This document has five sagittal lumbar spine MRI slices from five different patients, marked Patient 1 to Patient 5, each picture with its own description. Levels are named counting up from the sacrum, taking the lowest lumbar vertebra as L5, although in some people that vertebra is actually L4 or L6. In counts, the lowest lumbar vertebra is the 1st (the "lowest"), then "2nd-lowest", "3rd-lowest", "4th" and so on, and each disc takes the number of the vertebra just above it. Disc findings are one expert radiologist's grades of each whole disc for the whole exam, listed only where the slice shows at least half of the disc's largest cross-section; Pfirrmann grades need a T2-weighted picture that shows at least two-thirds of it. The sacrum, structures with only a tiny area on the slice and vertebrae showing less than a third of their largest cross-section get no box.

Patient 1 of 5:
Sagittal T2 SPACE (3D) lumbar spine MRI, Patient sex: F, 512x640 px, Field of view 240x300 mm, slice spacing 0.9 mm
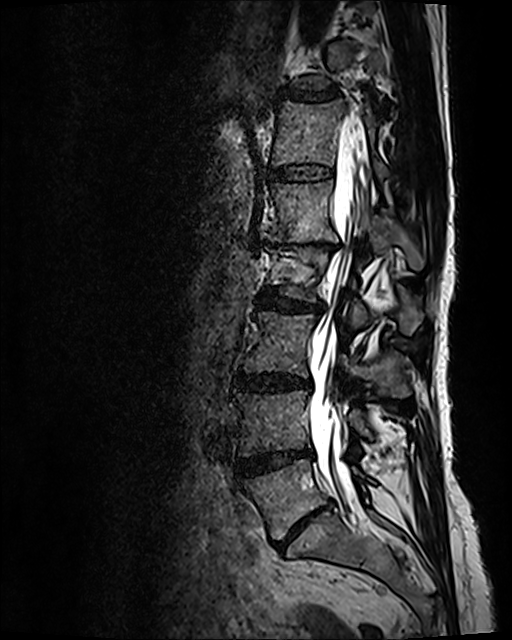
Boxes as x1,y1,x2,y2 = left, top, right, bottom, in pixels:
Intervertebral disc L1/L2 (5th disc) = 265,239,338,251.
Intervertebral disc L3/L4 (3rd-lowest disc) = 234,372,310,391.
L1 (5th vertebra) = 260,180,424,270.
L4 (2nd-lowest vertebra) = 233,390,371,457.
T12 (6th vertebra) = 272,101,388,177.
L2 (4th vertebra) = 268,249,422,335.
Thecal sac / spinal canal = 309,119,369,498.
Intervertebral disc L2/L3 (4th disc) = 259,289,321,311.
L5 (lowest vertebra) = 241,459,365,539.
L4/L5 (2nd-lowest disc) = 237,450,311,475.
L3 (3rd-lowest vertebra) = 244,311,409,397.
L5/S1 (lowest disc) = 276,503,330,548.
Intervertebral disc T11/T12 (7th disc) = 278,88,344,101.
Intervertebral disc T12/L1 (6th disc) = 269,164,333,181.

Radiological gradings:
  L5/S1 (lowest disc): upper-endplate change, disc narrowing, lower-endplate change, disc bulging, Modic type II
  T11/T12 (7th disc): Pfirrmann grade 3, disc narrowing, disc bulging
  L1/L2 (5th disc): Pfirrmann grade 5, Modic type II, disc narrowing, disc bulging, upper-endplate change, lower-endplate change
  L4/L5 (2nd-lowest disc): Pfirrmann grade 4, Modic type II, disc bulging, disc narrowing
  L3/L4 (3rd-lowest disc): Pfirrmann grade 3, disc bulging
  L2/L3 (4th disc): disc narrowing, disc bulging
  T12/L1 (6th disc): Pfirrmann grade 2

Patient 2 of 5:
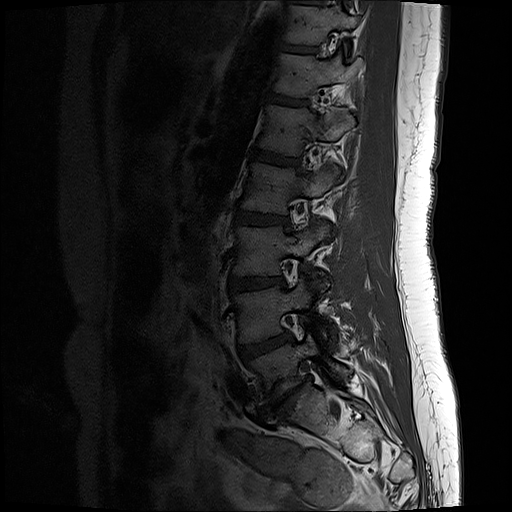 Sagittal slice index 3; T1-weighted sagittal MRI of the lumbar spine; 512x512 px

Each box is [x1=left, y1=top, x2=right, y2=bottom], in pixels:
* T11/T12 = [x1=282, y1=44, x2=316, y2=52]
* L2/L3 = [x1=237, y1=209, x2=289, y2=225]
* L5/S1 = [x1=260, y1=382, x2=305, y2=417]
* L4 = [x1=235, y1=280, x2=326, y2=341]
* L1/L2 = [x1=252, y1=151, x2=296, y2=165]
* IVD L4/L5 = [x1=239, y1=333, x2=291, y2=360]
* L3 vertebra = [x1=235, y1=222, x2=330, y2=274]
* L1 vertebra = [x1=259, y1=106, x2=354, y2=154]
* T12/L1 = [x1=268, y1=93, x2=306, y2=105]
* L3/L4 = [x1=231, y1=277, x2=284, y2=292]
* T11 vertebra = [x1=287, y1=7, x2=356, y2=44]
* L2 = [x1=243, y1=164, x2=340, y2=213]
* T12 vertebra = [x1=274, y1=54, x2=358, y2=96]
* L5 = [x1=251, y1=335, x2=350, y2=404]

Radiological gradings:
  L4/L5: disc bulging
  L3/L4: disc bulging
  L2/L3, T12/L1, L1/L2: no spondylolisthesis, narrowing, bulging, herniation, Modic or endplate change recorded

Patient 3 of 5:
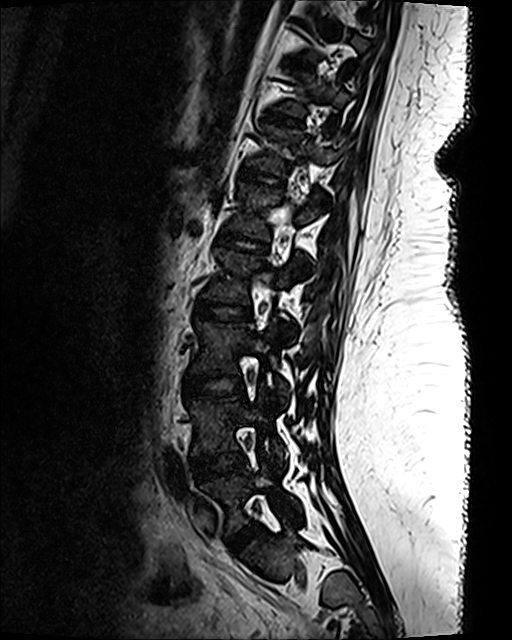 T2 SPACE (3D) sagittal MRI of the lumbar spine.

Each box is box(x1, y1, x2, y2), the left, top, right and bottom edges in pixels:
Disc L4/L5 at box(192, 450, 245, 478); disc T12/L1 at box(243, 169, 281, 185); L1 vertebra at box(230, 183, 323, 272); L3 at box(192, 322, 288, 404); disc L1/L2 at box(217, 233, 264, 251); disc L2/L3 at box(196, 299, 250, 319); L3/L4 at box(185, 374, 242, 396); T12 vertebra at box(250, 125, 335, 196); T11/T12 at box(267, 112, 297, 124); disc L5/S1 at box(229, 523, 258, 550); T11 vertebra at box(278, 73, 349, 115); L2 at box(205, 248, 304, 334); L5 vertebra at box(201, 462, 300, 530); L4 vertebra at box(188, 394, 286, 465); T10/T11 at box(290, 59, 309, 67).

Expert MSK radiologist gradings (per disc):
- L2/L3: Pfirrmann grade 1
- L1/L2: Pfirrmann grade 1
- L3/L4: Pfirrmann grade 1
- L4/L5: Pfirrmann grade 1
- T12/L1: no spondylolisthesis, narrowing, bulging, herniation, Modic or endplate change recorded

Patient 4 of 5:
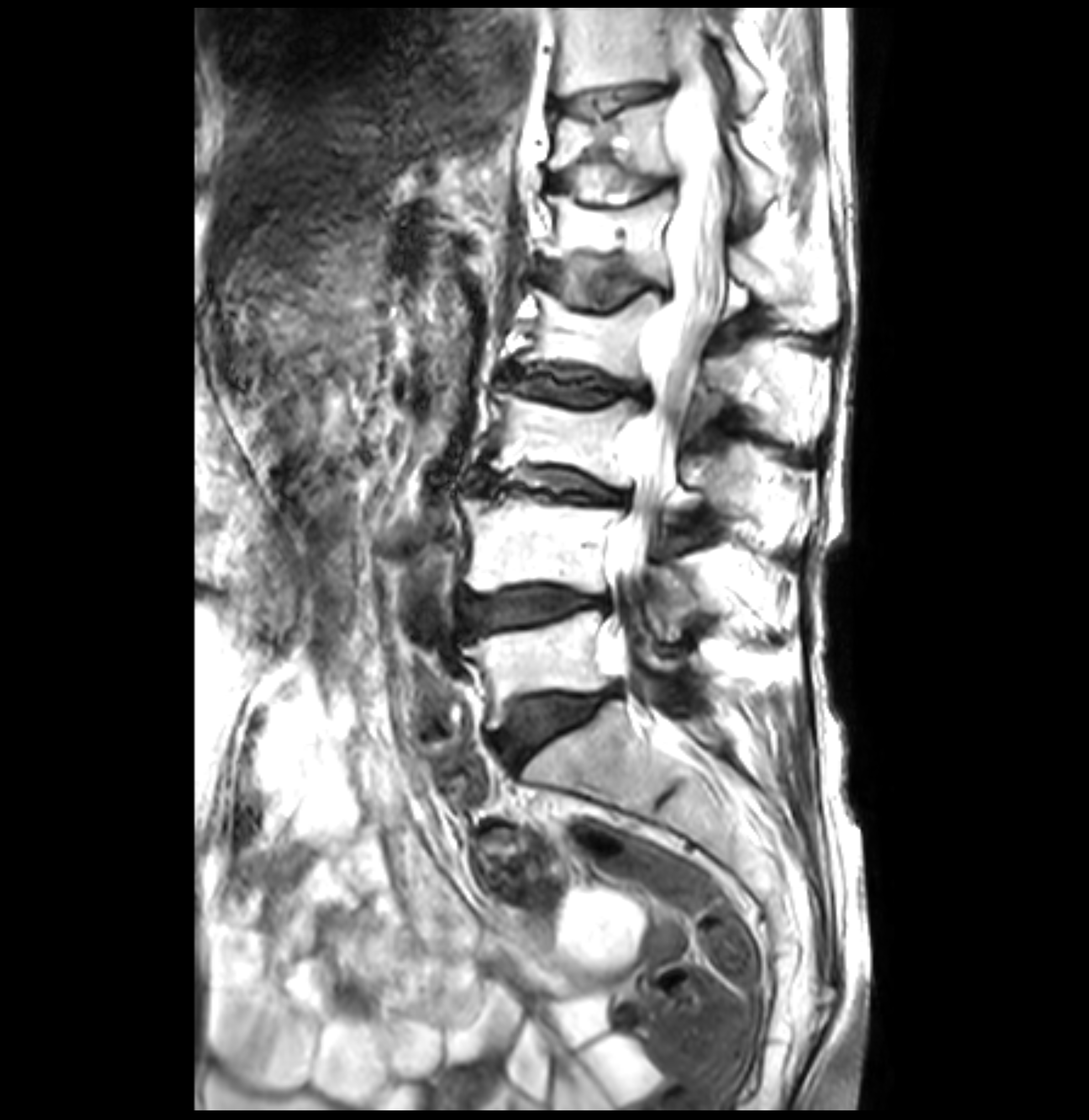
Image 1089x1120. Sagittal T2-weighted lumbar spine MRI. Sagittal slice index 17.
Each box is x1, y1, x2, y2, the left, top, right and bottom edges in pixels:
T12 = 547, 96, 778, 217.
L5/S1 = 496, 688, 615, 767.
L5 = 462, 609, 683, 729.
Disc T12/L1 = 547, 166, 673, 204.
L3 vertebra = 484, 386, 804, 525.
L2 = 518, 286, 829, 443.
L1 vertebra = 540, 190, 833, 330.
L3/L4 = 479, 470, 622, 502.
L4/L5 = 462, 586, 610, 634.
Disc T11/T12 = 552, 83, 663, 120.
L1/L2 = 535, 256, 668, 306.
L4 = 459, 491, 773, 637.
Spinal canal = 608, 15, 734, 674.
Disc L2/L3 = 508, 368, 649, 402.
T11 = 554, 5, 763, 111.

Expert MSK radiologist gradings (per disc):
• L3/L4: disc narrowing, upper-endplate change, Modic type II, disc bulging, lower-endplate change
• L5/S1: Pfirrmann grade 4, lower-endplate change, disc bulging, Modic type II, upper-endplate change
• L2/L3: Pfirrmann grade 3, disc bulging, Modic type II, disc narrowing, upper-endplate change, lower-endplate change
• L4/L5: Pfirrmann grade 4, lower-endplate change, upper-endplate change, disc bulging, Modic type II
• T12/L1: Pfirrmann grade 3, Modic type II, lower-endplate change, upper-endplate change
• T11/T12: Pfirrmann grade 1, upper-endplate change, Modic type II, lower-endplate change
• L1/L2: Pfirrmann grade 3, Modic type II, upper-endplate change, disc bulging, lower-endplate change

Patient 5 of 5:
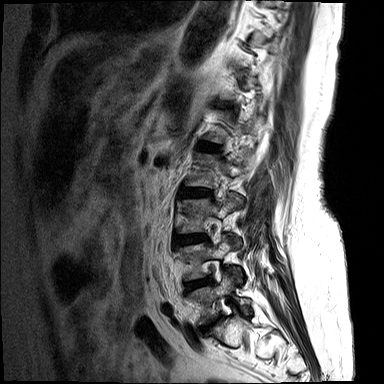 T2-weighted sagittal MRI of the lumbar spine
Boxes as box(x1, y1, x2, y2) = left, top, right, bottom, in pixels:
3rd-lowest disc: box(174, 234, 207, 246).
2nd-lowest disc: box(185, 278, 212, 290).
Lowest disc: box(200, 317, 219, 331).
4th disc: box(180, 188, 210, 196).
4th vertebra: box(186, 151, 255, 187).
3rd-lowest vertebra: box(179, 195, 243, 233).
2nd-lowest vertebra: box(182, 234, 243, 280).
5th disc: box(200, 143, 219, 151).
Lowest vertebra: box(190, 272, 250, 324).

Radiological gradings:
  lowest disc: disc narrowing, Modic type II, disc bulging
  2nd-lowest disc: disc bulging, disc narrowing
  4th disc: Pfirrmann grade 3, Modic type II, disc bulging
  3rd-lowest disc: Pfirrmann grade 4, disc bulging, disc narrowing